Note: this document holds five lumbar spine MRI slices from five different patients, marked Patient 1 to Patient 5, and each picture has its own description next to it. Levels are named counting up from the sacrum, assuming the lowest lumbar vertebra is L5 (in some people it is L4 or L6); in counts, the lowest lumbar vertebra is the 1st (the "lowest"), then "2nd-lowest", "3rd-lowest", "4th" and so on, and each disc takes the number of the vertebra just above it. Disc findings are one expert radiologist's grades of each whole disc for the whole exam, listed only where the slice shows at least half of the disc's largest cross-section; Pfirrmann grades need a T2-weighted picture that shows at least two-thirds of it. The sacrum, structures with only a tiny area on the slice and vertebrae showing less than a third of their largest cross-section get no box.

Patient 1 of 5:
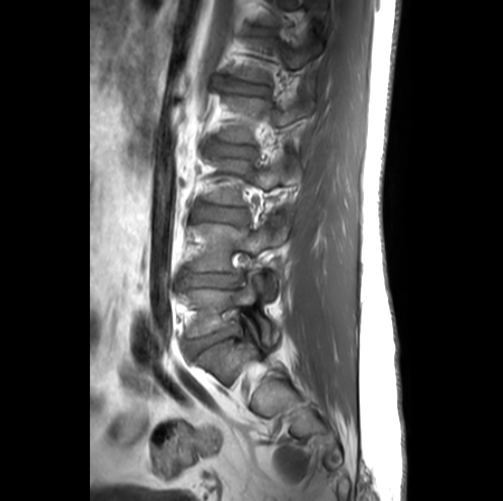
T1-weighted sagittal MRI of the lumbar spine. Field of view 281x280 mm.
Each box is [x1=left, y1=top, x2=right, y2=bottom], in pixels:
Disc L1/L2: [x1=233, y1=82, x2=268, y2=95].
Disc L4/L5: [x1=183, y1=269, x2=240, y2=292].
L5 vertebra: [x1=187, y1=276, x2=279, y2=345].
L5/S1: [x1=187, y1=327, x2=237, y2=357].
T12/L1: [x1=256, y1=28, x2=273, y2=33].
L4 vertebra: [x1=192, y1=215, x2=289, y2=298].
L2: [x1=224, y1=94, x2=314, y2=141].
Disc L3/L4: [x1=197, y1=204, x2=247, y2=223].
L2/L3: [x1=213, y1=144, x2=255, y2=157].
L3: [x1=208, y1=155, x2=301, y2=203].

Degenerative findings by level:
  L4/L5: disc bulging, disc narrowing, upper-endplate change, Modic type II, lower-endplate change
  L1/L2, L2/L3, L3/L4: no spondylolisthesis, narrowing, bulging, herniation, Modic or endplate change recorded

Patient 2 of 5:
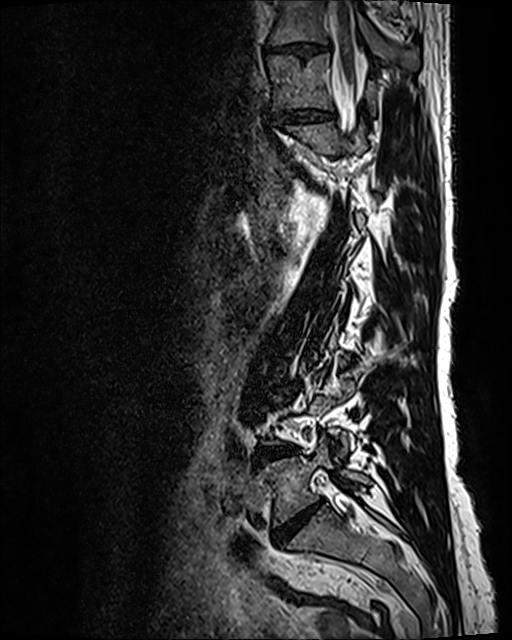 Sagittal T2 SPACE (3D) lumbar spine MRI.
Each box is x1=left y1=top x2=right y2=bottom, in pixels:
7th disc = x1=272 y1=108 x2=336 y2=125.
Lowest disc = x1=273 y1=499 x2=323 y2=545.
8th disc = x1=271 y1=42 x2=326 y2=53.
Lowest vertebra = x1=258 y1=435 x2=370 y2=525.
2nd-lowest disc = x1=257 y1=447 x2=295 y2=463.
Spinal canal = x1=328 y1=2 x2=364 y2=129.
8th vertebra = x1=269 y1=0 x2=419 y2=68.
7th vertebra = x1=267 y1=53 x2=376 y2=115.

Per-level radiological findings:
  8th disc: disc bulging, disc narrowing
  7th disc: Pfirrmann grade 3, disc bulging, disc narrowing
  lowest disc: Pfirrmann grade 5, lower-endplate change, Modic type II, disc narrowing, disc bulging, upper-endplate change

Patient 3 of 5:
Slice spacing 4.4 mm | T2-weighted sagittal MRI of the lumbar spine

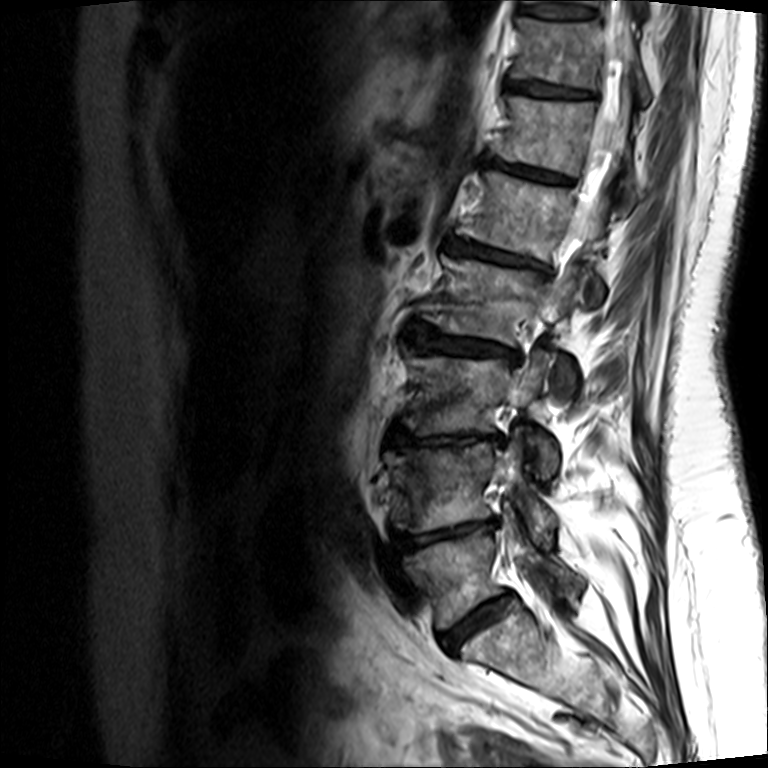 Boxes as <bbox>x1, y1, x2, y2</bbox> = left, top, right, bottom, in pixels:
5th disc at <bbox>447, 236, 541, 267</bbox>.
7th disc at <bbox>507, 75, 596, 97</bbox>.
5th vertebra at <bbox>458, 169, 608, 301</bbox>.
Lowest disc at <bbox>441, 596, 506, 649</bbox>.
6th disc at <bbox>489, 157, 572, 183</bbox>.
4th disc at <bbox>410, 322, 518, 363</bbox>.
3rd-lowest disc at <bbox>388, 425, 502, 448</bbox>.
2nd-lowest disc at <bbox>393, 519, 496, 554</bbox>.
2nd-lowest vertebra at <bbox>387, 435, 557, 538</bbox>.
7th vertebra at <bbox>515, 16, 651, 102</bbox>.
Thecal sac / spinal canal at <bbox>570, 22, 623, 240</bbox>.
6th vertebra at <bbox>497, 94, 640, 214</bbox>.
3rd-lowest vertebra at <bbox>407, 348, 559, 476</bbox>.
4th vertebra at <bbox>425, 253, 584, 386</bbox>.
Lowest vertebra at <bbox>402, 521, 585, 627</bbox>.

Degenerative findings by level:
• 2nd-lowest disc: Pfirrmann grade 5, upper-endplate change, disc herniation, Modic type II, disc narrowing, lower-endplate change
• 7th disc: Pfirrmann grade 3, upper-endplate change, Modic type II, disc narrowing, lower-endplate change
• 4th disc: Pfirrmann grade 3, disc bulging, Modic type II, upper-endplate change, lower-endplate change, disc narrowing
• 5th disc: Pfirrmann grade 4, disc bulging, lower-endplate change, upper-endplate change, disc narrowing, Modic type II
• 3rd-lowest disc: Pfirrmann grade 5, disc herniation, lower-endplate change, Modic type II, disc narrowing, upper-endplate change
• lowest disc: Modic type II, disc narrowing, upper-endplate change, disc bulging, lower-endplate change
• 6th disc: Pfirrmann grade 5, disc bulging, lower-endplate change, Modic type II, upper-endplate change, disc narrowing

Patient 4 of 5:
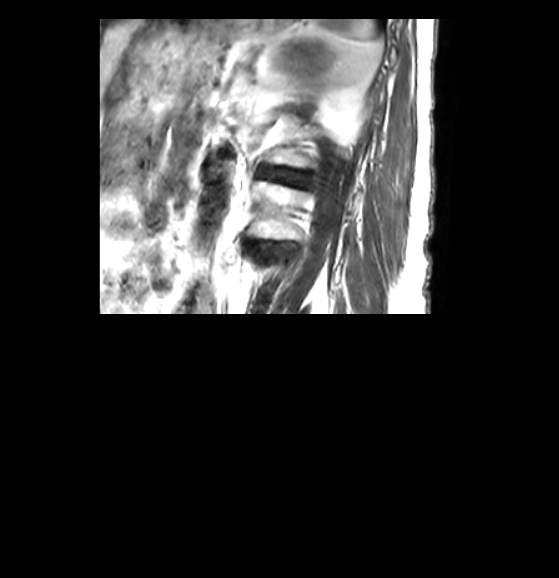
Sex F; Lumbar spine MR, T2-weighted, sagittal

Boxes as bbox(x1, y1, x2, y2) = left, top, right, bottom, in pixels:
L1/L2 at bbox(260, 168, 309, 184); L2 vertebra at bbox(248, 181, 307, 239); IVD L2/L3 at bbox(252, 242, 279, 253).

Radiological gradings:
• L1/L2: Pfirrmann grade 4, disc narrowing

Patient 5 of 5:
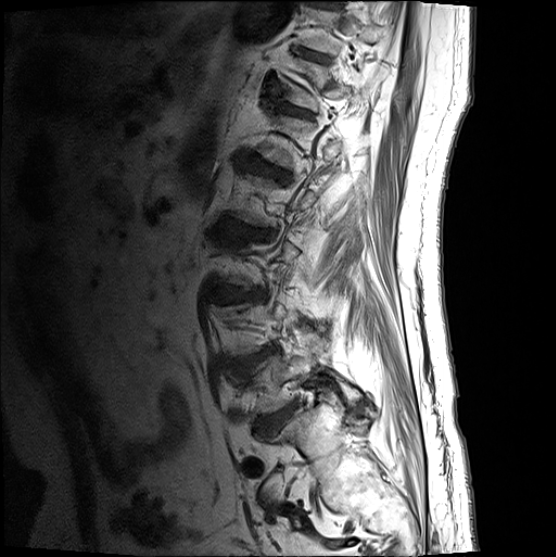 Field of view 300x301 mm, slice spacing 3.3 mm. Lumbar spine MR, T1-weighted, sagittal. Image 556x557. Sagittal slice index 17.
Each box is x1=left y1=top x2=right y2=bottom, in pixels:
* IVD L2/L3 — x1=250 y1=233 x2=270 y2=239
* T11/T12 — x1=295 y1=50 x2=333 y2=65
* L4/L5 — x1=236 y1=348 x2=276 y2=375
* L5/S1 — x1=259 y1=407 x2=295 y2=433
* T11 vertebra — x1=296 y1=9 x2=387 y2=57
* L5 vertebra — x1=246 y1=350 x2=360 y2=415
* L3/L4 — x1=214 y1=290 x2=264 y2=305
* T12/L1 — x1=275 y1=104 x2=313 y2=120
* IVD L1/L2 — x1=240 y1=159 x2=290 y2=182

Per-level radiological findings:
• L1/L2: lower-endplate change, upper-endplate change, disc bulging
• T11/T12: lower-endplate change
• T12/L1: no Modic or endplate change, herniation, narrowing, bulging or spondylolisthesis recorded